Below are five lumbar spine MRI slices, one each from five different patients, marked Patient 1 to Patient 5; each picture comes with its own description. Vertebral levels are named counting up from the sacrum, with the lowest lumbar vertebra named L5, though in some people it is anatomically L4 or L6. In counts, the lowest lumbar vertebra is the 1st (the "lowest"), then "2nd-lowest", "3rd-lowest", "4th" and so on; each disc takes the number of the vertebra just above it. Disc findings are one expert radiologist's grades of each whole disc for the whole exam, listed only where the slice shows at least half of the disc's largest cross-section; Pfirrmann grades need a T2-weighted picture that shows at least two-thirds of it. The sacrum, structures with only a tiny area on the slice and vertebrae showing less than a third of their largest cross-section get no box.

Patient 1 of 5:
T2 SPACE (3D) sagittal MRI of the lumbar spine; Slice spacing 0.9 mm 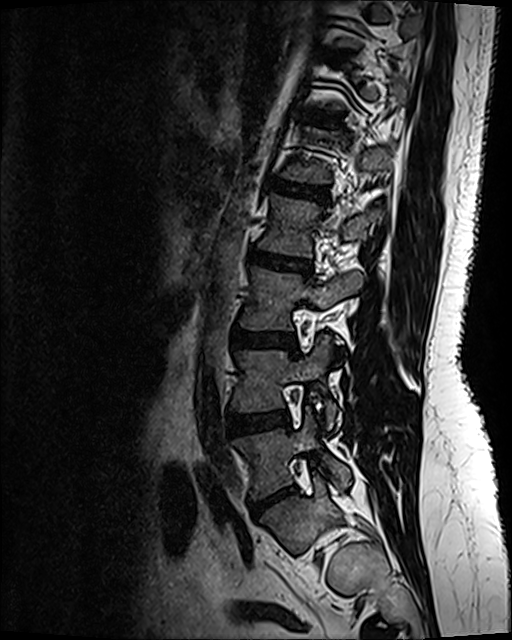 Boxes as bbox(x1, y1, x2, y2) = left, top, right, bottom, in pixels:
L5 — bbox(235, 408, 350, 498) | L4 — bbox(233, 335, 336, 428) | L3 — bbox(241, 269, 363, 330) | IVD L3/L4 — bbox(233, 330, 295, 350) | L2/L3 — bbox(248, 251, 309, 275) | T12/L1 — bbox(309, 116, 336, 129) | L2 vertebra — bbox(259, 196, 378, 256) | IVD L4/L5 — bbox(228, 414, 289, 434) | IVD L5/S1 — bbox(250, 488, 294, 514) | L1/L2 — bbox(267, 180, 328, 202)

Radiological gradings:
- L2/L3: Pfirrmann grade 4, disc bulging, upper-endplate change, lower-endplate change
- L3/L4: Pfirrmann grade 2, disc bulging
- L1/L2: Pfirrmann grade 2, lower-endplate change, upper-endplate change
- L4/L5: disc bulging

Patient 2 of 5:
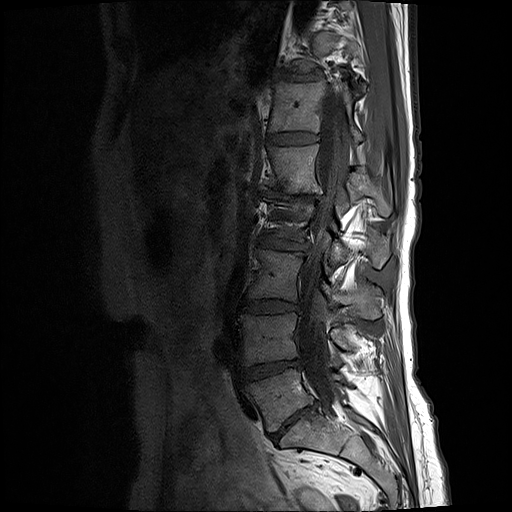

Lumbar spine MR, T1-weighted, sagittal; Field of view 300x300 mm; Sagittal slice index 13

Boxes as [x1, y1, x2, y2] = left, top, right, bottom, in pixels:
T12/L1 at [266, 132, 317, 146], L3 at [247, 249, 382, 318], intervertebral disc T11/T12 at [272, 71, 326, 82], L3/L4 at [238, 298, 298, 313], spinal canal at [298, 95, 346, 400], intervertebral disc L1/L2 at [266, 192, 321, 202], L2 at [268, 200, 389, 268], L5 at [244, 367, 345, 431], intervertebral disc L4/L5 at [241, 360, 300, 380], intervertebral disc L2/L3 at [259, 231, 308, 249], L4 at [238, 311, 352, 365], T12 vertebra at [269, 82, 361, 141], L5/S1 at [271, 403, 315, 438], L1 at [260, 145, 392, 216].

Expert MSK radiologist gradings (per disc):
  T11/T12: disc bulging, disc narrowing
  L3/L4: disc bulging
  L2/L3: disc narrowing, disc bulging
  L4/L5: disc narrowing, Modic type II, disc bulging
  L5/S1: disc bulging, lower-endplate change, Modic type II, upper-endplate change, disc narrowing
  L1/L2: upper-endplate change, disc bulging, disc narrowing, Modic type II, lower-endplate change
  T12/L1: no Modic or endplate change, herniation, narrowing, bulging or spondylolisthesis recorded

Patient 3 of 5:
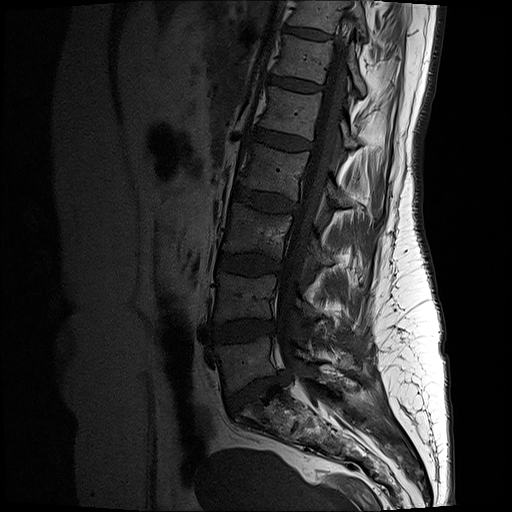 T1-weighted sagittal MRI of the lumbar spine; Sex F

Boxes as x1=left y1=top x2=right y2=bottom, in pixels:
Annotations:
- 7th disc: x1=284 y1=26 x2=333 y2=39
- 6th disc: x1=270 y1=75 x2=322 y2=90
- 2nd-lowest vertebra: x1=214 y1=272 x2=345 y2=327
- thecal sac / spinal canal: x1=277 y1=48 x2=346 y2=400
- 3rd-lowest vertebra: x1=223 y1=203 x2=329 y2=266
- 4th vertebra: x1=238 y1=143 x2=343 y2=205
- 7th vertebra: x1=287 y1=0 x2=369 y2=41
- 3rd-lowest disc: x1=218 y1=252 x2=281 y2=274
- 6th vertebra: x1=274 y1=35 x2=365 y2=94
- 2nd-lowest disc: x1=213 y1=320 x2=275 y2=341
- 5th disc: x1=252 y1=128 x2=313 y2=149
- 5th vertebra: x1=261 y1=86 x2=356 y2=149
- lowest disc: x1=229 y1=378 x2=280 y2=413
- 4th disc: x1=234 y1=186 x2=298 y2=211
- lowest vertebra: x1=214 y1=336 x2=353 y2=393

Expert MSK radiologist gradings (per disc):
- lowest disc: disc narrowing, lower-endplate change, upper-endplate change, disc herniation
- 2nd-lowest disc: disc bulging
- 4th disc: disc bulging
- 5th disc, 7th disc, 6th disc, 3rd-lowest disc: no spondylolisthesis, narrowing, bulging, herniation, Modic or endplate change recorded

Patient 4 of 5:
Lumbar spine MR, T1-weighted, sagittal | Sex F 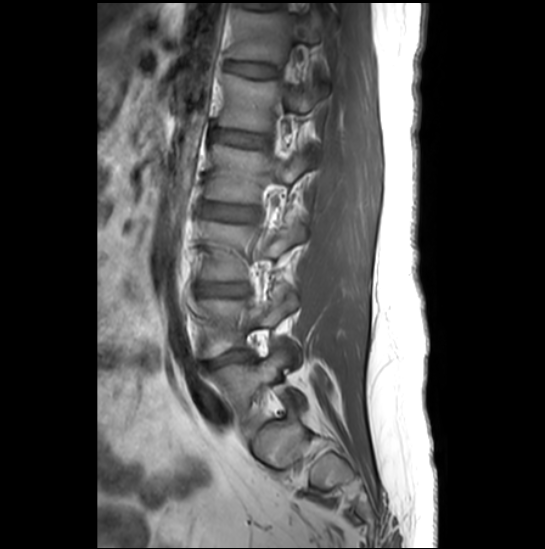
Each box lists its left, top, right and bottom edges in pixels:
{"L4/L5 (2nd-lowest disc)": "left=204, top=350, right=251, bottom=369", "L2 (4th vertebra)": "left=207, top=145, right=313, bottom=204", "T12 (6th vertebra)": "left=227, top=9, right=319, bottom=63", "L4 (2nd-lowest vertebra)": "left=198, top=290, right=302, bottom=368", "disc L1/L2 (5th disc)": "left=214, top=131, right=263, bottom=146", "T12/L1 (6th disc)": "left=226, top=62, right=276, bottom=77", "L3/L4 (3rd-lowest disc)": "left=197, top=284, right=247, bottom=296", "disc L2/L3 (4th disc)": "left=204, top=203, right=256, bottom=221", "L5 (lowest vertebra)": "left=209, top=346, right=306, bottom=418", "L1 (5th vertebra)": "left=219, top=73, right=327, bottom=131", "L3 (3rd-lowest vertebra)": "left=201, top=221, right=306, bottom=281"}

Degenerative findings by level:
- L2/L3 (4th disc), T12/L1 (6th disc), L1/L2 (5th disc): no Modic or endplate change, herniation, narrowing, bulging or spondylolisthesis recorded

Patient 5 of 5:
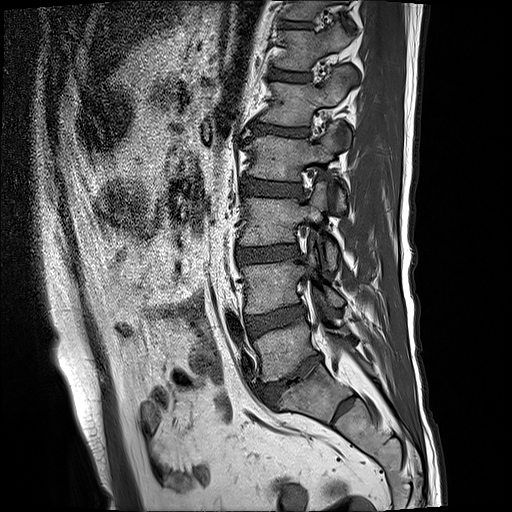 512x512 px. MRI lumbar spine (T1-weighted), sagittal plane. Slice 5/17. Slice spacing 3.3 mm.
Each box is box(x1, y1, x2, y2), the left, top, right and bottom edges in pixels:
L1: box(258, 68, 351, 145)
L2 vertebra: box(243, 126, 345, 210)
T11: box(282, 0, 353, 26)
T11/T12: box(280, 24, 314, 29)
L4 vertebra: box(240, 253, 345, 315)
thecal sac / spinal canal: box(328, 339, 365, 390)
IVD L4/L5: box(246, 305, 305, 336)
L1/L2: box(252, 121, 308, 137)
IVD L3/L4: box(234, 245, 299, 264)
L5: box(254, 318, 349, 382)
L3 vertebra: box(239, 183, 338, 269)
T12: box(273, 24, 357, 79)
L2/L3: box(242, 179, 302, 197)
IVD L5/S1: box(257, 356, 321, 405)
T12/L1: box(267, 67, 313, 81)

Degenerative findings by level:
• L5/S1: Modic type II, disc narrowing, disc bulging, lower-endplate change, upper-endplate change
• L4/L5: Modic type II
• L1/L2: lower-endplate change, disc bulging, Modic type II, upper-endplate change, disc narrowing
• L3/L4: lower-endplate change, upper-endplate change, disc bulging
• L2/L3, T12/L1: no Modic or endplate change, herniation, narrowing, bulging or spondylolisthesis recorded